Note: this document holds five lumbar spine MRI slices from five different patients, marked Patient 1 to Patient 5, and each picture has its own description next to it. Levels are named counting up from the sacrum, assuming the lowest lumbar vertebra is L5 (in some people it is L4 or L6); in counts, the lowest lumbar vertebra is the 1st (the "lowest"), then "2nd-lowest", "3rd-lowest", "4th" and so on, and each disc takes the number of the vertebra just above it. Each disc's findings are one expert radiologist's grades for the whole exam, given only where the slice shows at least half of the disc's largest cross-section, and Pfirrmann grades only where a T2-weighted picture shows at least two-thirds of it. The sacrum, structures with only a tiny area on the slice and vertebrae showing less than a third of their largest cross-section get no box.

Patient 1 of 5:
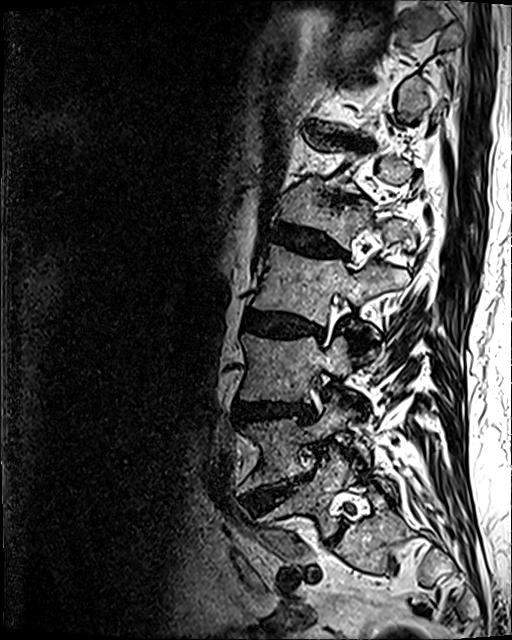 Sagittal T2 SPACE (3D) lumbar spine MRI
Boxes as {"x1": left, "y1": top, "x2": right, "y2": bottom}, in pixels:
L2/L3 at {"x1": 243, "y1": 311, "x2": 323, "y2": 337}, L2 vertebra at {"x1": 252, "y1": 244, "x2": 409, "y2": 325}, L1/L2 at {"x1": 270, "y1": 224, "x2": 346, "y2": 258}, disc L4/L5 at {"x1": 245, "y1": 474, "x2": 311, "y2": 511}, L3 at {"x1": 241, "y1": 334, "x2": 351, "y2": 402}, disc L5/S1 at {"x1": 328, "y1": 523, "x2": 345, "y2": 543}, L1 at {"x1": 278, "y1": 185, "x2": 411, "y2": 248}, L4 at {"x1": 240, "y1": 393, "x2": 368, "y2": 491}, disc L3/L4 at {"x1": 237, "y1": 402, "x2": 313, "y2": 422}, disc T11/T12 at {"x1": 312, "y1": 129, "x2": 349, "y2": 140}, L5 at {"x1": 266, "y1": 453, "x2": 388, "y2": 537}.

Expert MSK radiologist gradings (per disc):
  L1/L2: Pfirrmann grade 4, lower-endplate change, disc bulging, disc narrowing, upper-endplate change
  L4/L5: Pfirrmann grade 5, disc narrowing, upper-endplate change, disc herniation, disc bulging, lower-endplate change, Modic type II
  L3/L4: Pfirrmann grade 4, lower-endplate change, disc narrowing, disc bulging, upper-endplate change
  L2/L3: Pfirrmann grade 4, upper-endplate change, lower-endplate change, disc narrowing, Modic type II, disc bulging

Patient 2 of 5:
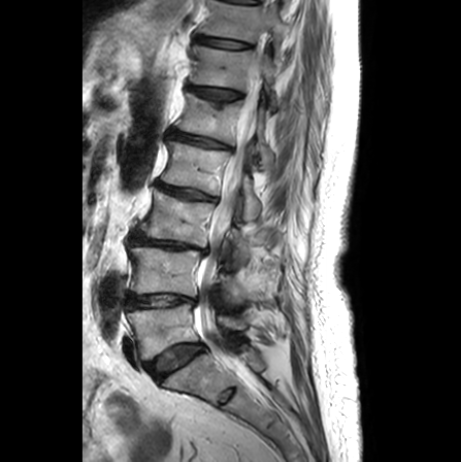

Sagittal T2-weighted lumbar spine MRI. Sex F.

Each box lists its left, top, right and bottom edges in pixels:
T11 (7th vertebra) at left=200, top=0, right=288, bottom=58.
L2 (4th vertebra) at left=160, top=141, right=260, bottom=220.
L1 (5th vertebra) at left=175, top=93, right=272, bottom=169.
T12/L1 (6th disc) at left=188, top=85, right=240, bottom=100.
Thecal sac / spinal canal at left=194, top=64, right=261, bottom=372.
Intervertebral disc L3/L4 (3rd-lowest disc) at left=129, top=230, right=205, bottom=253.
L4 (2nd-lowest vertebra) at left=129, top=246, right=243, bottom=303.
L5 (lowest vertebra) at left=127, top=302, right=243, bottom=359.
L1/L2 (5th disc) at left=168, top=130, right=229, bottom=148.
T12 (6th vertebra) at left=190, top=45, right=279, bottom=111.
Intervertebral disc L5/S1 (lowest disc) at left=145, top=343, right=204, bottom=380.
Intervertebral disc L2/L3 (4th disc) at left=157, top=181, right=216, bottom=200.
T11/T12 (7th disc) at left=196, top=36, right=249, bottom=48.
Intervertebral disc L4/L5 (2nd-lowest disc) at left=126, top=293, right=193, bottom=308.
L3 (3rd-lowest vertebra) at left=139, top=188, right=250, bottom=263.

Per-level radiological findings:
  T11/T12 (7th disc): Pfirrmann grade 1
  T12/L1 (6th disc): Pfirrmann grade 2, upper-endplate change
  L4/L5 (2nd-lowest disc): Pfirrmann grade 2, disc narrowing, Modic type II
  L2/L3 (4th disc): Pfirrmann grade 3, lower-endplate change, disc narrowing, upper-endplate change
  L1/L2 (5th disc): Pfirrmann grade 3, disc narrowing, upper-endplate change, lower-endplate change, disc bulging
  L5/S1 (lowest disc): Pfirrmann grade 3, Modic type II
  L3/L4 (3rd-lowest disc): Pfirrmann grade 5, Modic type II, upper-endplate change, lower-endplate change, disc narrowing

Patient 3 of 5:
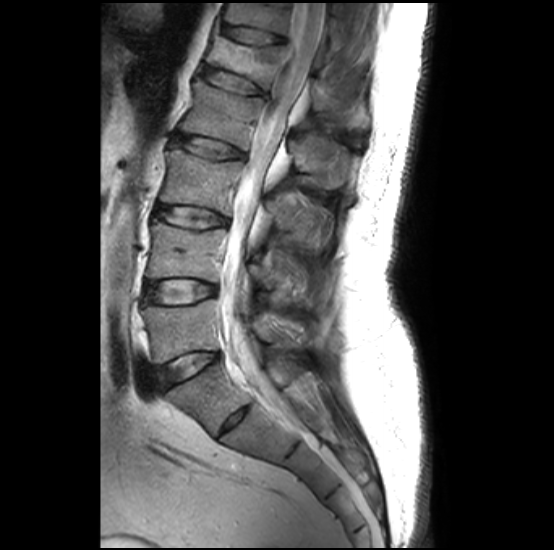

Field of view 285x283 mm | Lumbar spine MR, T2-weighted, sagittal

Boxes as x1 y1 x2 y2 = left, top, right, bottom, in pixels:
Disc L3/L4 (3rd-lowest disc) at 156 204 227 228, spinal canal at 220 2 325 382, L2 (4th vertebra) at 178 79 347 187, L3 (3rd-lowest vertebra) at 160 146 330 243, disc L4/L5 (2nd-lowest disc) at 143 280 216 301, disc L5/S1 (lowest disc) at 157 353 218 388, L4 (2nd-lowest vertebra) at 146 222 304 300, L1 (5th vertebra) at 206 26 367 126, T12 (6th vertebra) at 222 2 342 56, L1/L2 (5th disc) at 201 65 263 94, L5 (lowest vertebra) at 143 299 295 363, disc T12/L1 (6th disc) at 220 23 284 43, L2/L3 (4th disc) at 172 134 245 158.

Degenerative findings by level:
• L4/L5 (2nd-lowest disc): Pfirrmann grade 1, Modic type II, lower-endplate change, upper-endplate change
• T12/L1 (6th disc): Pfirrmann grade 2, upper-endplate change, spondylolisthesis
• L5/S1 (lowest disc): Pfirrmann grade 1
• L1/L2 (5th disc): Pfirrmann grade 2, upper-endplate change, Modic type II, lower-endplate change
• L3/L4 (3rd-lowest disc): Pfirrmann grade 2, upper-endplate change, Modic type II, lower-endplate change
• L2/L3 (4th disc): Pfirrmann grade 2, Modic type II, lower-endplate change, upper-endplate change

Patient 4 of 5:
Sagittal slice index 68. Image 512x640. T2 SPACE (3D) sagittal MRI of the lumbar spine.

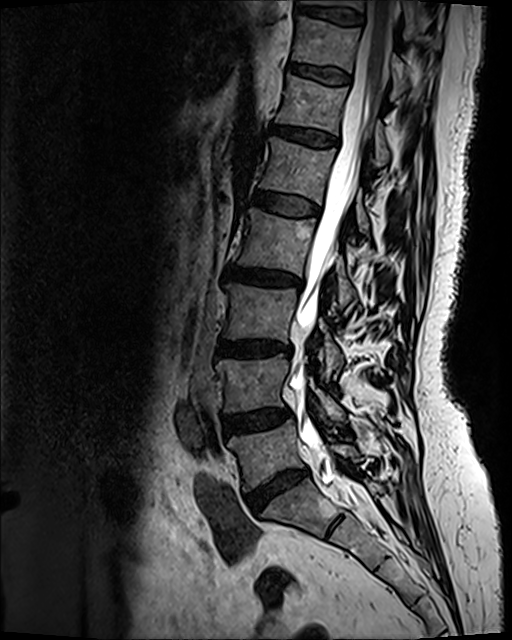
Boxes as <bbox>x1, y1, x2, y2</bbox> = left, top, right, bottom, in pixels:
T11/T12: <bbox>288, 63, 349, 83</bbox> | thecal sac / spinal canal: <bbox>288, 1, 395, 519</bbox> | L3: <bbox>224, 284, 344, 374</bbox> | L1/L2: <bbox>251, 191, 318, 215</bbox> | L1: <bbox>259, 137, 368, 232</bbox> | T12 vertebra: <bbox>275, 74, 391, 166</bbox> | T11: <bbox>292, 16, 407, 91</bbox> | intervertebral disc L4/L5: <bbox>225, 408, 288, 432</bbox> | L5: <bbox>228, 420, 359, 491</bbox> | intervertebral disc L2/L3: <bbox>224, 265, 301, 286</bbox> | L3/L4: <bbox>216, 341, 290, 353</bbox> | L4 vertebra: <bbox>216, 353, 345, 421</bbox> | L5/S1: <bbox>247, 470, 306, 512</bbox> | T12/L1: <bbox>270, 124, 337, 146</bbox> | intervertebral disc T10/T11: <bbox>292, 5, 364, 24</bbox> | T10: <bbox>303, 0, 440, 44</bbox> | L2: <bbox>233, 208, 356, 307</bbox>

Expert MSK radiologist gradings (per disc):
- T12/L1: Pfirrmann grade 3, disc bulging
- L5/S1: Pfirrmann grade 4, disc narrowing, disc bulging
- L3/L4: Pfirrmann grade 4, upper-endplate change, disc bulging, Modic type II, disc narrowing, lower-endplate change
- L1/L2: Pfirrmann grade 2
- L4/L5: Pfirrmann grade 3, disc bulging
- T11/T12: Pfirrmann grade 2
- T10/T11: Pfirrmann grade 2
- L2/L3: Pfirrmann grade 4, lower-endplate change, disc bulging, upper-endplate change, disc narrowing, Modic type II

Patient 5 of 5:
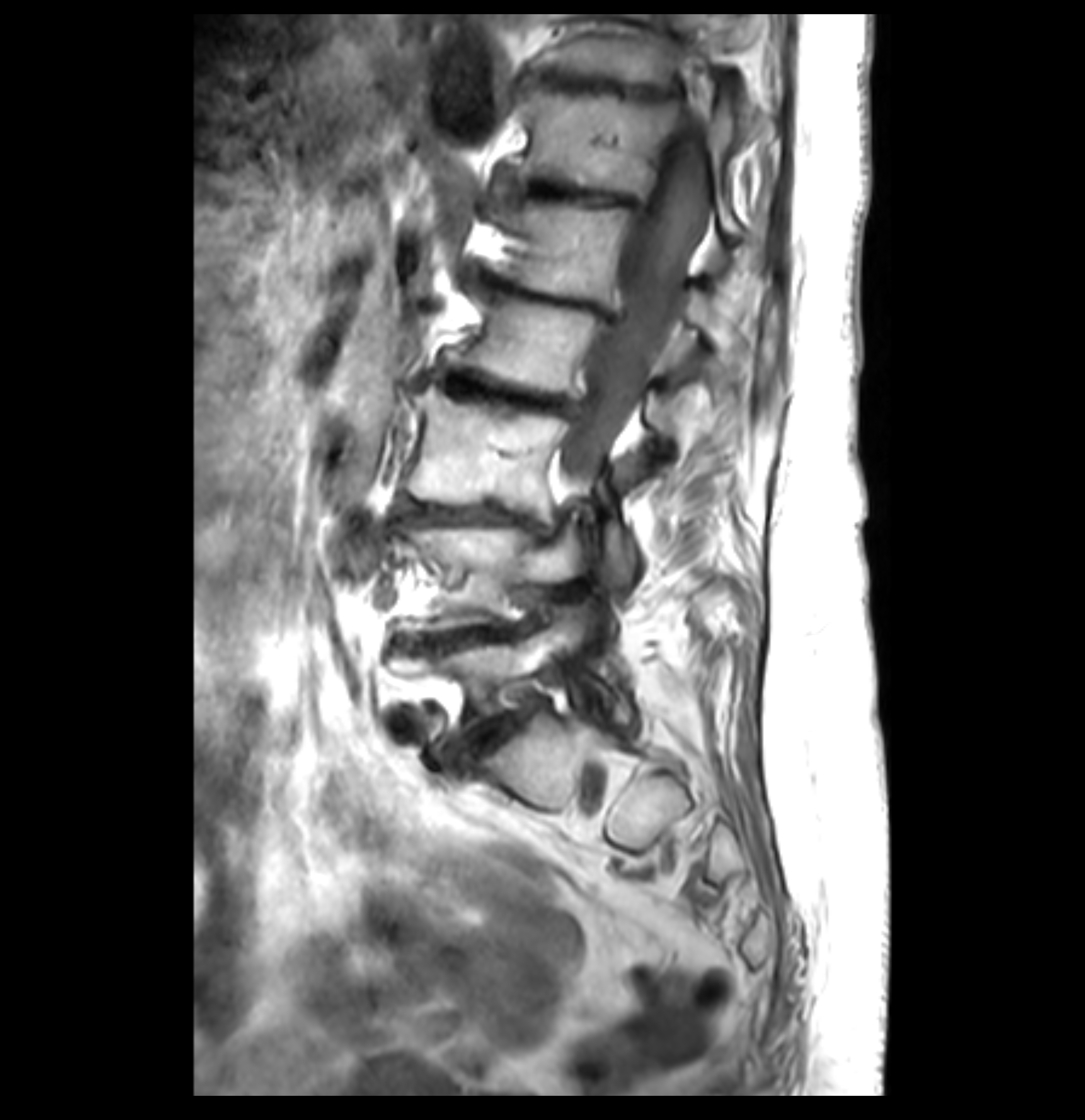 Slice 24 of 41; Sagittal T1-weighted lumbar spine MRI; Sex F

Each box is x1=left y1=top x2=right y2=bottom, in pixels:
Disc L1/L2 at x1=472 y1=266 x2=622 y2=324, L3 at x1=407 y1=385 x2=625 y2=567, spinal canal at x1=559 y1=113 x2=712 y2=490, L3/L4 at x1=402 y1=502 x2=552 y2=535, L2 vertebra at x1=448 y1=297 x2=688 y2=431, disc L2/L3 at x1=429 y1=367 x2=583 y2=419, L4/L5 at x1=397 y1=623 x2=532 y2=648, L4 vertebra at x1=395 y1=525 x2=583 y2=634, L1 vertebra at x1=499 y1=203 x2=728 y2=344, disc T12/L1 at x1=494 y1=180 x2=651 y2=215, T11 vertebra at x1=540 y1=16 x2=765 y2=138, L5 at x1=412 y1=604 x2=586 y2=737, T12 vertebra at x1=513 y1=87 x2=738 y2=234, T11/T12 at x1=528 y1=74 x2=688 y2=102, disc L5/S1 at x1=455 y1=696 x2=545 y2=768.

Radiological gradings:
- L5/S1: disc herniation, Modic type II, lower-endplate change, disc bulging, upper-endplate change, disc narrowing
- L1/L2: disc narrowing, lower-endplate change, disc bulging, Modic type II, upper-endplate change
- L4/L5: upper-endplate change, lower-endplate change, disc bulging, disc narrowing, Modic type II
- T11/T12: Modic type II, disc bulging, disc narrowing, lower-endplate change, upper-endplate change
- T12/L1: upper-endplate change, lower-endplate change, disc narrowing, Modic type II, disc bulging
- L3/L4: disc bulging, disc narrowing, lower-endplate change, upper-endplate change, Modic type II